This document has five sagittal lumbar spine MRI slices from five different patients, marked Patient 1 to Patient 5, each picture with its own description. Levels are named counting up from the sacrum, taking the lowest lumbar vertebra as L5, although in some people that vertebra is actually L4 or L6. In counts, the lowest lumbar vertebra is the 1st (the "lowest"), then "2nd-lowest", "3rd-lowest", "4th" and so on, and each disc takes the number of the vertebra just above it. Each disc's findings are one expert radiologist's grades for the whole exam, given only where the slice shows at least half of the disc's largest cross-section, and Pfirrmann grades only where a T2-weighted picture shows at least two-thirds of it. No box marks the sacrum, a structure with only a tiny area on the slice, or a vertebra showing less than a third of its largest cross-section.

Patient 1 of 5:
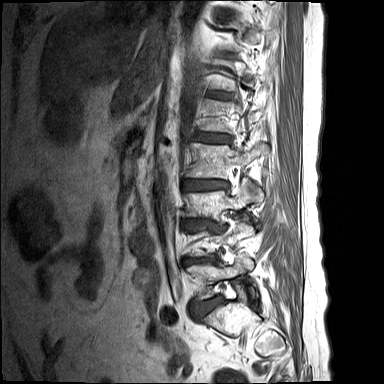 Sagittal T1-weighted lumbar spine MRI. 384x384 px.
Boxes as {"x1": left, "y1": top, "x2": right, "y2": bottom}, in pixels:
IVD L4/L5 = {"x1": 185, "y1": 257, "x2": 209, "y2": 264}.
L5 vertebra = {"x1": 188, "y1": 259, "x2": 255, "y2": 301}.
L5/S1 = {"x1": 194, "y1": 297, "x2": 222, "y2": 317}.
L3 vertebra = {"x1": 183, "y1": 182, "x2": 263, "y2": 221}.
IVD L1/L2 = {"x1": 196, "y1": 132, "x2": 231, "y2": 143}.
IVD L3/L4 = {"x1": 186, "y1": 220, "x2": 226, "y2": 233}.
L2 vertebra = {"x1": 186, "y1": 143, "x2": 268, "y2": 178}.
IVD L2/L3 = {"x1": 183, "y1": 179, "x2": 228, "y2": 192}.

Degenerative findings by level:
• L2/L3: lower-endplate change, upper-endplate change, disc narrowing, disc bulging
• L1/L2: disc bulging, lower-endplate change, upper-endplate change
• L3/L4: disc narrowing, upper-endplate change, lower-endplate change, disc bulging

Patient 2 of 5:
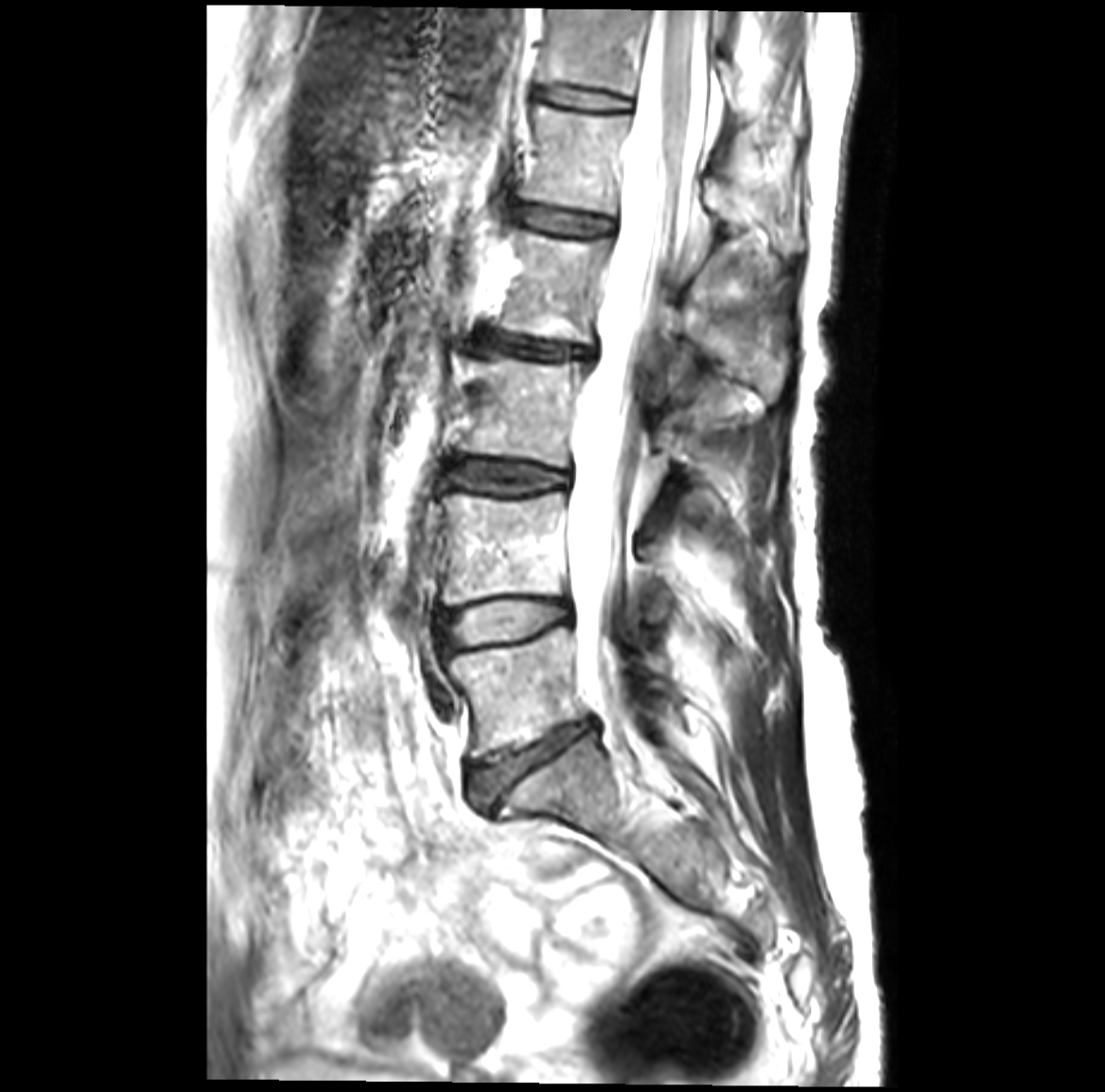 Field of view 290x286 mm, slice spacing 3.4 mm | 1105x1092 px | Patient sex: F | MRI lumbar spine (T2-weighted), sagittal plane

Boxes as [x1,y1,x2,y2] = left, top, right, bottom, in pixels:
Intervertebral disc L3/L4 at [451,459,566,492], L5/S1 at [471,721,595,801], thecal sac / spinal canal at [568,10,710,717], L2/L3 at [481,331,592,359], T12 at [538,9,745,113], L4 at [439,492,665,604], L2 vertebra at [496,228,787,399], T12/L1 at [538,87,629,115], intervertebral disc L1/L2 at [520,205,612,235], L1 at [526,104,802,251], L3 vertebra at [463,360,745,488], L5 vertebra at [447,626,666,758], intervertebral disc L4/L5 at [443,600,570,647].

Radiological gradings:
  L4/L5: Pfirrmann grade 3, Modic type II, disc bulging
  L1/L2: Pfirrmann grade 1
  L2/L3: Pfirrmann grade 3, disc bulging, disc narrowing, Modic type II
  L5/S1: Pfirrmann grade 4, Modic type II, disc narrowing, disc bulging
  T12/L1: Pfirrmann grade 1
  L3/L4: Pfirrmann grade 3, disc bulging, Modic type II

Patient 3 of 5:
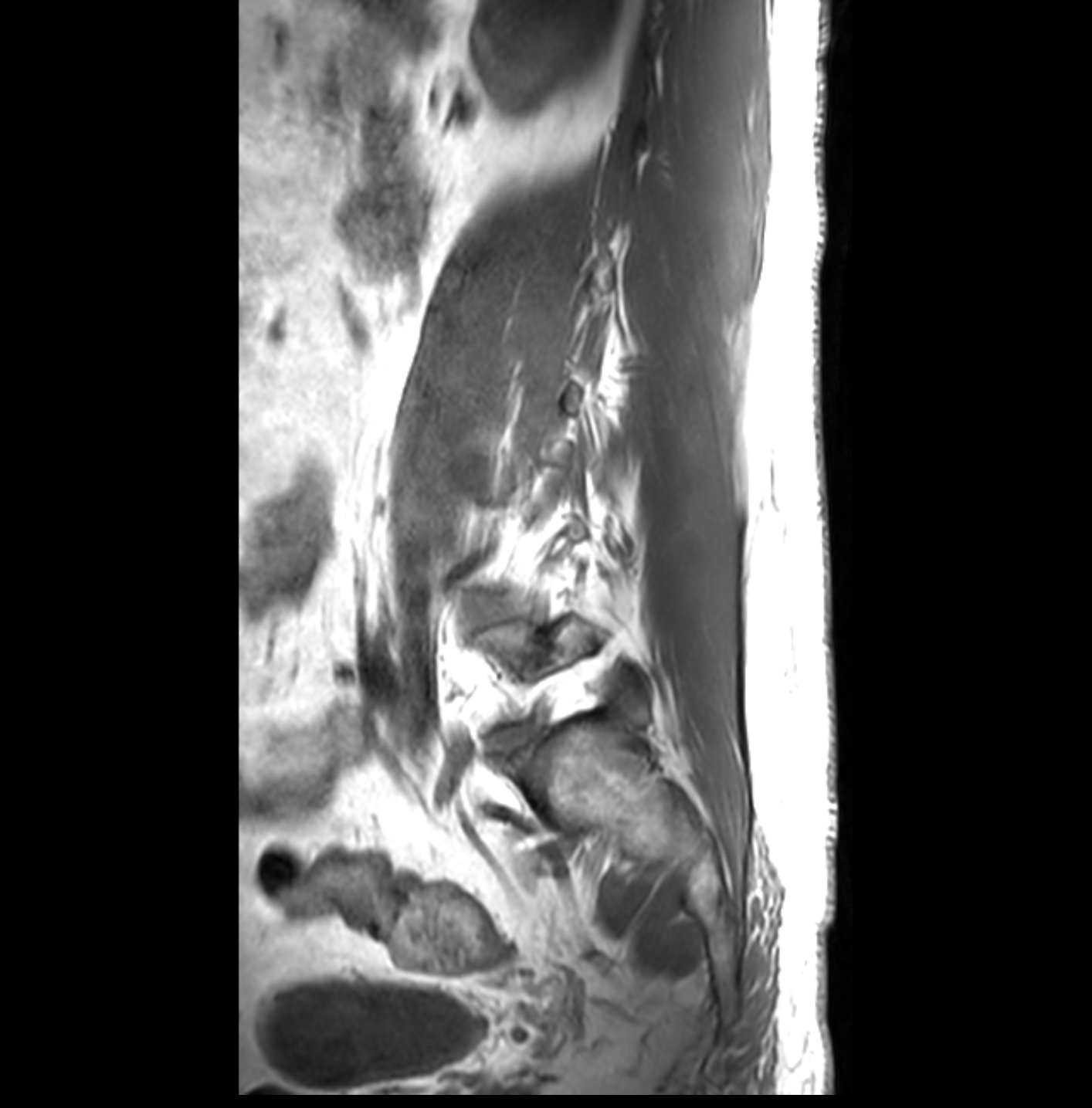 Sagittal T1-weighted lumbar spine MRI. Slice 9/32. Patient sex: M.
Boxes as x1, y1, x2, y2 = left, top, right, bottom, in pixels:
Disc L5/S1: 497, 723, 540, 751.
Disc L4/L5: 477, 606, 503, 623.

Patient 4 of 5:
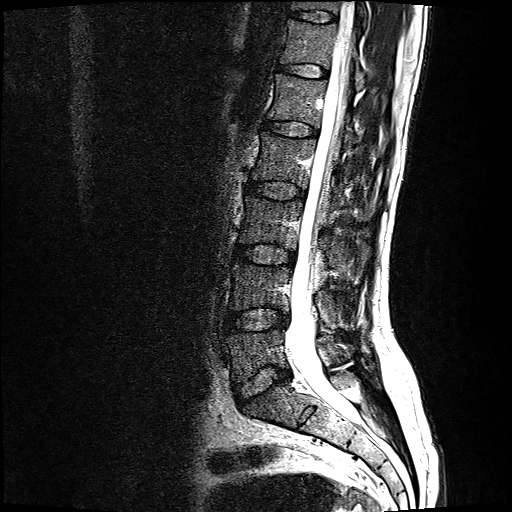 MRI lumbar spine (T2-weighted), sagittal plane
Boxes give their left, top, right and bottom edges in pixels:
T11 vertebra at left=291, top=0, right=368, bottom=24; T12 at left=279, top=19, right=366, bottom=88; L1 vertebra at left=267, top=73, right=385, bottom=151; L2 vertebra at left=252, top=131, right=377, bottom=219; L5 vertebra at left=226, top=327, right=355, bottom=379; L4 at left=230, top=261, right=356, bottom=324; L3/L4 at left=235, top=243, right=296, bottom=263; L1/L2 at left=264, top=120, right=317, bottom=135; thecal sac / spinal canal at left=291, top=0, right=353, bottom=412; T11/T12 at left=290, top=10, right=335, bottom=21; disc L4/L5 at left=226, top=306, right=289, bottom=329; L3 at left=240, top=192, right=369, bottom=277; disc L5/S1 at left=233, top=366, right=292, bottom=404; disc L2/L3 at left=248, top=180, right=305, bottom=198; T12/L1 at left=278, top=64, right=327, bottom=76.

Degenerative findings by level:
  T12/L1: Pfirrmann grade 2
  L4/L5: Pfirrmann grade 2, disc bulging
  T11/T12: Pfirrmann grade 2
  L1/L2: Pfirrmann grade 2
  L2/L3: Pfirrmann grade 2
  L3/L4: Pfirrmann grade 2, disc bulging
  L5/S1: Pfirrmann grade 2, disc bulging

Patient 5 of 5:
MRI lumbar spine (T2 SPACE (3D)), sagittal plane; Slice 104 of 154; Sex F

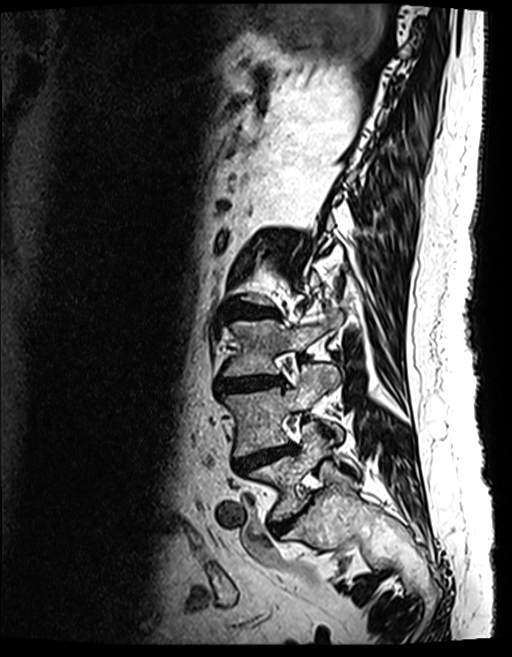 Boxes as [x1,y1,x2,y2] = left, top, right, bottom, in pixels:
L5 vertebra at [250,422,333,521].
L4/L5 at [234,444,293,472].
L4 vertebra at [226,365,341,456].
Disc L5/S1 at [268,507,303,529].
Disc L3/L4 at [220,376,281,390].
L3 vertebra at [225,312,336,375].
Disc L2/L3 at [230,303,272,316].

Expert MSK radiologist gradings (per disc):
• L4/L5: Pfirrmann grade 5, lower-endplate change, disc narrowing, Modic type II, upper-endplate change, disc bulging
• L2/L3: upper-endplate change, disc narrowing, Modic type II, lower-endplate change, disc bulging
• L3/L4: Pfirrmann grade 4, lower-endplate change, disc bulging, Modic type II, disc narrowing, upper-endplate change